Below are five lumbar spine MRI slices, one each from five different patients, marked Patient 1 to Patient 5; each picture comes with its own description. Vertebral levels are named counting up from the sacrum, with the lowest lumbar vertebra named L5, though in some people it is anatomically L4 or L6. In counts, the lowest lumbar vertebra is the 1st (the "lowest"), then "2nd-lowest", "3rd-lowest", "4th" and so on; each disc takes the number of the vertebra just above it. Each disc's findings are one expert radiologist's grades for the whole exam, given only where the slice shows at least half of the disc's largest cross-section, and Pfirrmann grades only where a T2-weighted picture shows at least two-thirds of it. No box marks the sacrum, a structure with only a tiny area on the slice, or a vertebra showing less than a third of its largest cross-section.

Patient 1 of 5:
Lumbar spine MR, T2-weighted, sagittal

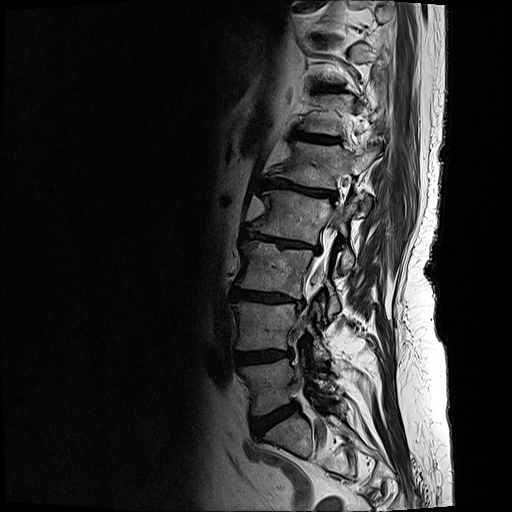 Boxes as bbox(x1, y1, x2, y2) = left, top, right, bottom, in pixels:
L2 vertebra at bbox(247, 191, 357, 272).
Thecal sac / spinal canal at bbox(306, 257, 327, 302).
L2/L3 at bbox(242, 230, 319, 251).
L3/L4 at bbox(230, 287, 303, 306).
L3 vertebra at bbox(236, 241, 338, 318).
L1/L2 at bbox(263, 179, 336, 198).
L5 vertebra at bbox(242, 358, 335, 414).
L4 vertebra at bbox(233, 303, 328, 360).
L5/S1 at bbox(252, 403, 297, 438).
L4/L5 at bbox(234, 349, 291, 366).
L1 vertebra at bbox(281, 141, 377, 189).
IVD T12/L1 at bbox(292, 131, 337, 142).

Per-level radiological findings:
- L2/L3: disc bulging, Modic type II, lower-endplate change, upper-endplate change, disc narrowing
- L4/L5: Pfirrmann grade 4, upper-endplate change, lower-endplate change, disc bulging
- L5/S1: disc bulging
- T12/L1: Pfirrmann grade 4, Modic type II, upper-endplate change, lower-endplate change
- L1/L2: Pfirrmann grade 5, lower-endplate change, disc narrowing, Modic type II, disc bulging, upper-endplate change
- L3/L4: Pfirrmann grade 5, Modic type II, disc narrowing, upper-endplate change, lower-endplate change, disc bulging

Patient 2 of 5:
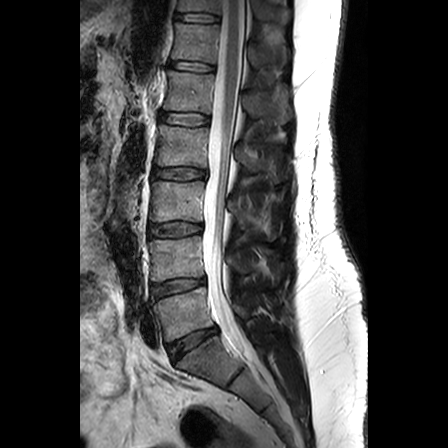 T2-weighted sagittal MRI of the lumbar spine

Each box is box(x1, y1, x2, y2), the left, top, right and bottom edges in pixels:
disc T12/L1 — box(170, 61, 214, 71) | disc T11/T12 — box(176, 13, 218, 22) | disc L5/S1 — box(167, 327, 217, 361) | L1 vertebra — box(164, 70, 289, 122) | L4 vertebra — box(149, 236, 254, 281) | L4/L5 — box(151, 279, 204, 298) | L3 vertebra — box(150, 181, 249, 229) | disc L1/L2 — box(159, 112, 208, 125) | L5 vertebra — box(153, 287, 252, 341) | spinal canal — box(203, 0, 251, 357) | disc L2/L3 — box(152, 168, 205, 179) | T11 — box(178, 0, 275, 20) | T12 vertebra — box(172, 22, 273, 67) | L2 vertebra — box(155, 125, 252, 170) | disc L3/L4 — box(149, 222, 201, 236)

Degenerative findings by level:
• L1/L2: Pfirrmann grade 1
• L5/S1: Pfirrmann grade 3, disc bulging
• T11/T12: Pfirrmann grade 1
• L2/L3: Pfirrmann grade 2, disc bulging
• L4/L5: Pfirrmann grade 2
• T12/L1: Pfirrmann grade 1
• L3/L4: Pfirrmann grade 2

Patient 3 of 5:
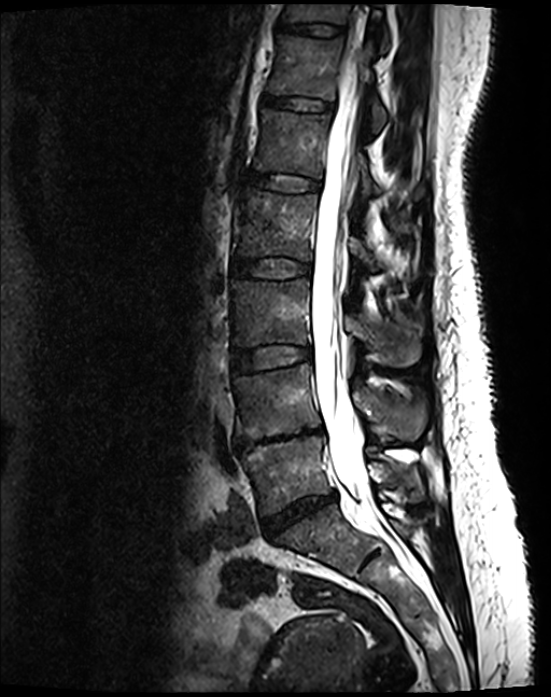 Sagittal slice index 64, 551x697 px, MRI lumbar spine (T2 SPACE (3D)), sagittal plane, Field of view 240x304 mm, slice spacing 0.9 mm
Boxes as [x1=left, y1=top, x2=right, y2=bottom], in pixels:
- T12 = [x1=269, y1=36, x2=387, y2=132]
- L4 vertebra = [x1=235, y1=364, x2=425, y2=438]
- T11 vertebra = [x1=284, y1=3, x2=388, y2=49]
- T12/L1 = [x1=265, y1=96, x2=331, y2=110]
- L2 vertebra = [x1=235, y1=190, x2=374, y2=270]
- L3/L4 = [x1=233, y1=346, x2=312, y2=372]
- L3 vertebra = [x1=231, y1=280, x2=420, y2=365]
- L1/L2 = [x1=248, y1=173, x2=320, y2=190]
- disc L2/L3 = [x1=233, y1=258, x2=310, y2=278]
- L1 vertebra = [x1=254, y1=110, x2=378, y2=199]
- disc T11/T12 = [x1=279, y1=22, x2=342, y2=35]
- L5 = [x1=241, y1=435, x2=396, y2=514]
- disc L5/S1 = [x1=263, y1=492, x2=337, y2=535]
- spinal canal = [x1=311, y1=59, x2=368, y2=503]
- L4/L5 = [x1=235, y1=428, x2=322, y2=450]

Degenerative findings by level:
• L1/L2: Pfirrmann grade 2
• L4/L5: Pfirrmann grade 5, disc narrowing, Modic type II, lower-endplate change, upper-endplate change, disc bulging
• T11/T12: Pfirrmann grade 2
• L3/L4: Pfirrmann grade 2
• L5/S1: Pfirrmann grade 4, disc narrowing, disc bulging
• T12/L1: Pfirrmann grade 2
• L2/L3: Pfirrmann grade 2

Patient 4 of 5:
Sagittal T2-weighted lumbar spine MRI; Sagittal slice index 2
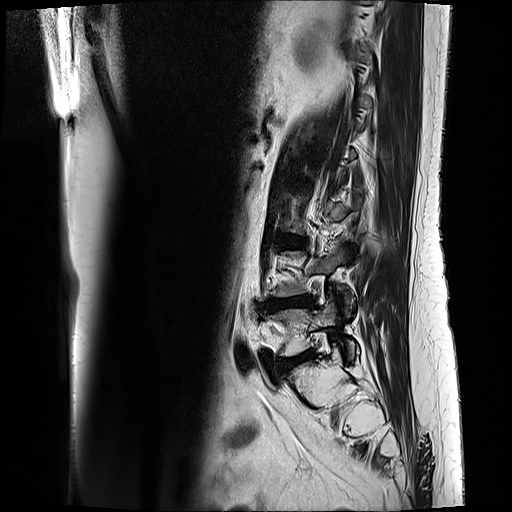
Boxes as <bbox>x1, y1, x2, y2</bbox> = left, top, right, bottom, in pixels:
{"IVD L4/L5": "<bbox>262, 297, 317, 311</bbox>", "L5": "<bbox>270, 298, 358, 357</bbox>", "L4": "<bbox>271, 250, 354, 317</bbox>", "L5/S1": "<bbox>278, 352, 316, 373</bbox>", "L3/L4": "<bbox>279, 237, 307, 246</bbox>"}

Expert MSK radiologist gradings (per disc):
• L4/L5: upper-endplate change, Modic type II, disc bulging, lower-endplate change, disc narrowing

Patient 5 of 5:
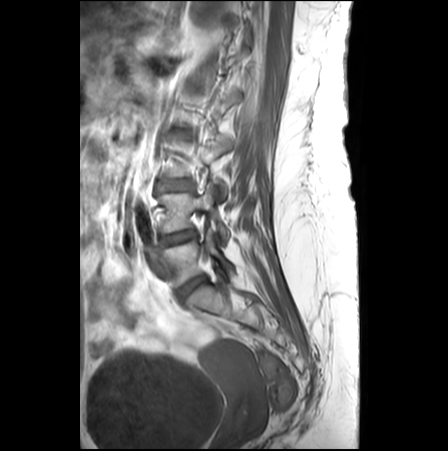
Sagittal T1-weighted lumbar spine MRI; Slice spacing 3.3 mm; Patient sex: F
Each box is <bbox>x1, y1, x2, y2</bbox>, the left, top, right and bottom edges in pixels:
Segmented structures:
* L3 (3rd-lowest vertebra): <bbox>164, 136, 233, 199</bbox>
* L3/L4 (3rd-lowest disc): <bbox>158, 180, 192, 190</bbox>
* L2/L3 (4th disc): <bbox>176, 128, 189, 135</bbox>
* IVD L4/L5 (2nd-lowest disc): <bbox>161, 229, 196, 246</bbox>
* IVD L5/S1 (lowest disc): <bbox>177, 275, 206, 300</bbox>
* L5 (lowest vertebra): <bbox>162, 230, 233, 285</bbox>
* L4 (2nd-lowest vertebra): <bbox>159, 183, 229, 245</bbox>

Expert MSK radiologist gradings (per disc):
• L4/L5 (2nd-lowest disc): disc narrowing
• L5/S1 (lowest disc), L3/L4 (3rd-lowest disc): no spondylolisthesis, narrowing, bulging, herniation, Modic or endplate change recorded